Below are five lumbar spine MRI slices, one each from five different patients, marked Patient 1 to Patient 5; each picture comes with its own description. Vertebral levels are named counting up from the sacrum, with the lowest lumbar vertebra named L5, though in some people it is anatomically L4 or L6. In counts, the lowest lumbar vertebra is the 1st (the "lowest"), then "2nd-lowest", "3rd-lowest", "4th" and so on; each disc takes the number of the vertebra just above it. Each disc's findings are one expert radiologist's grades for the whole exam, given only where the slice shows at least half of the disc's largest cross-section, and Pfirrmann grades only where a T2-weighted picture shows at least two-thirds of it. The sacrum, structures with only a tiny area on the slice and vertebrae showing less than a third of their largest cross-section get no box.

Patient 1 of 5:
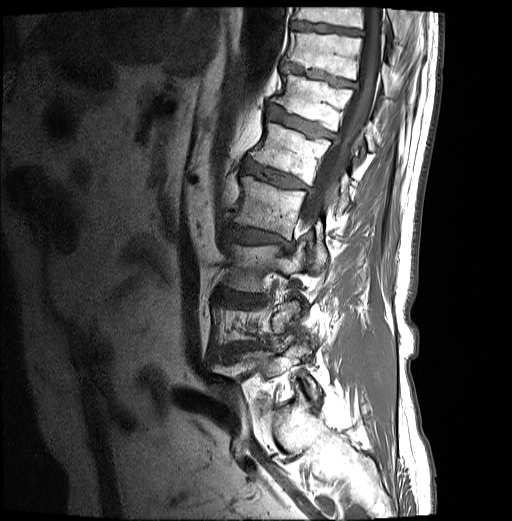 Lumbar spine MR, T1-weighted, sagittal.
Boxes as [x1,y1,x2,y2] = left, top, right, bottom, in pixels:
L2: [231,176,327,269] | L3: [223,241,304,291] | L3/L4: [231,292,260,301] | T10 vertebra: [293,7,421,39] | L1/L2: [242,159,305,188] | intervertebral disc T11/T12: [282,62,355,87] | T12 vertebra: [273,72,374,149] | intervertebral disc L2/L3: [225,224,291,250] | spinal canal: [300,7,384,228] | T12/L1: [267,106,334,138] | L1: [249,122,349,213] | T11 vertebra: [285,33,392,96] | T10/T11: [291,21,360,34]

Per-level radiological findings:
• L2/L3: disc bulging, Modic type I, disc narrowing, lower-endplate change, upper-endplate change
• T11/T12: upper-endplate change, lower-endplate change, disc bulging
• L1/L2: disc bulging, lower-endplate change, Modic type II, upper-endplate change
• T12/L1: disc bulging, Modic type II, upper-endplate change, lower-endplate change
• T10/T11: no herniation, bulging, narrowing, spondylolisthesis, endplate or Modic change recorded

Patient 2 of 5:
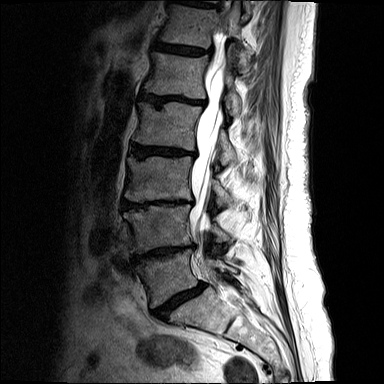
Patient sex: F, MRI lumbar spine (T2-weighted), sagittal plane
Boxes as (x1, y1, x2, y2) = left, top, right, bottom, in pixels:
L4: (124, 205, 231, 252) | IVD L4/L5: (135, 245, 192, 261) | thecal sac / spinal canal: (190, 28, 225, 275) | IVD L5/S1: (152, 283, 205, 319) | L5 vertebra: (137, 249, 236, 307) | L3: (125, 156, 232, 205) | L1 vertebra: (144, 52, 241, 115) | L2: (133, 102, 237, 164) | IVD T11/T12: (179, 0, 216, 7) | T12 vertebra: (160, 0, 250, 70) | IVD T12/L1: (153, 42, 207, 54) | IVD L2/L3: (130, 144, 194, 157) | L3/L4: (122, 200, 187, 208) | L1/L2: (139, 92, 204, 106)

Degenerative findings by level:
  T12/L1: Pfirrmann grade 4, Modic type II, upper-endplate change, lower-endplate change, disc bulging
  L1/L2: Pfirrmann grade 5, upper-endplate change, lower-endplate change, Modic type II, disc bulging, disc narrowing
  L2/L3: Pfirrmann grade 5, upper-endplate change, disc narrowing, Modic type II, disc bulging, lower-endplate change
  T11/T12: Pfirrmann grade 4, upper-endplate change, lower-endplate change, Modic type II, disc bulging
  L5/S1: Pfirrmann grade 5, disc bulging, spondylolisthesis, lower-endplate change, Modic type II, upper-endplate change, disc narrowing
  L3/L4: Pfirrmann grade 5, lower-endplate change, Modic type II, disc bulging, upper-endplate change, disc narrowing
  L4/L5: Pfirrmann grade 5, lower-endplate change, upper-endplate change, Modic type II, disc bulging, disc narrowing

Patient 3 of 5:
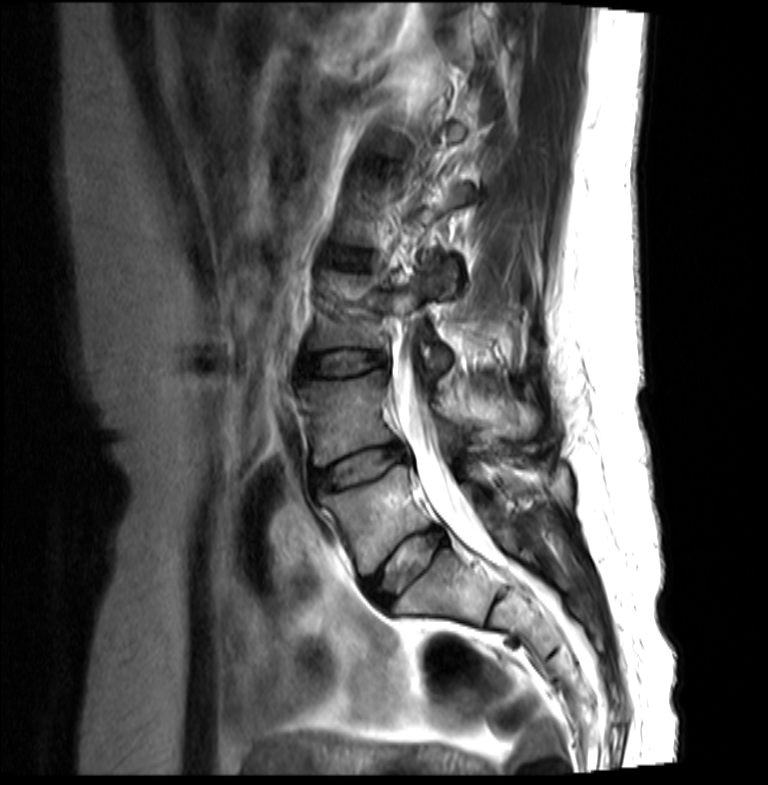 Sagittal slice index 14. Sagittal T2-weighted lumbar spine MRI. Patient sex: F.
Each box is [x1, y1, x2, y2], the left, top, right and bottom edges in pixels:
L5 at [320, 465, 525, 575], L4 at [300, 371, 539, 466], L4/L5 at [313, 442, 407, 489], disc L2/L3 at [329, 250, 366, 267], spinal canal at [392, 338, 501, 567], L3 at [308, 270, 450, 370], L3/L4 at [301, 351, 386, 375], disc L5/S1 at [364, 528, 447, 605].

Degenerative findings by level:
  L4/L5: Pfirrmann grade 3, disc herniation
  L5/S1: Pfirrmann grade 3, disc bulging
  L3/L4: Pfirrmann grade 2, disc bulging

Patient 4 of 5:
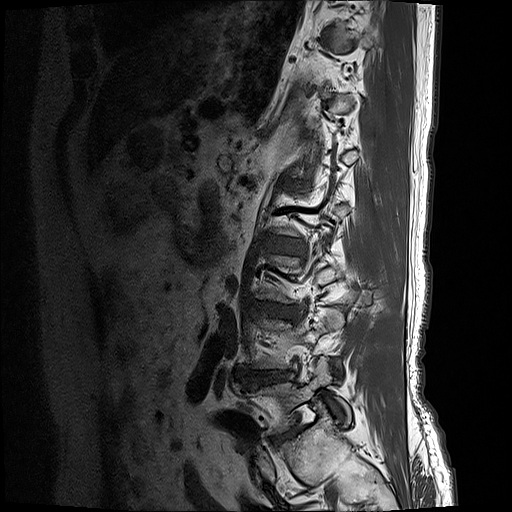 Slice 3/19, Sagittal T1-weighted lumbar spine MRI

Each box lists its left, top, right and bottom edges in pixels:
L2/L3 at left=272, top=237, right=304, bottom=252; disc L4/L5 at left=247, top=371, right=293, bottom=386; L5/S1 at left=273, top=429, right=297, bottom=443; L3/L4 at left=248, top=302, right=300, bottom=318; L1/L2 at left=291, top=183, right=304, bottom=187; L5 vertebra at left=248, top=356, right=351, bottom=434.

Degenerative findings by level:
  L3/L4: disc narrowing, lower-endplate change, Modic type II, disc bulging

Patient 5 of 5:
Sex F; Sagittal T2-weighted lumbar spine MRI
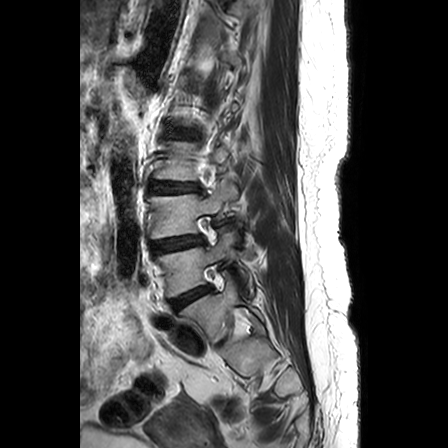 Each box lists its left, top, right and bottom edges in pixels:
L1/L2: left=177, top=130, right=195, bottom=137.
IVD L2/L3: left=150, top=182, right=199, bottom=192.
L2: left=153, top=141, right=230, bottom=180.
L5 vertebra: left=179, top=278, right=266, bottom=341.
L4 vertebra: left=156, top=231, right=254, bottom=296.
IVD L4/L5: left=171, top=286, right=209, bottom=309.
L3/L4: left=150, top=236, right=202, bottom=253.
L3: left=148, top=181, right=237, bottom=238.

Expert MSK radiologist gradings (per disc):
• L3/L4: Pfirrmann grade 3, lower-endplate change, disc bulging, upper-endplate change
• L4/L5: disc bulging, disc narrowing
• L2/L3: Pfirrmann grade 3, disc bulging, upper-endplate change, lower-endplate change